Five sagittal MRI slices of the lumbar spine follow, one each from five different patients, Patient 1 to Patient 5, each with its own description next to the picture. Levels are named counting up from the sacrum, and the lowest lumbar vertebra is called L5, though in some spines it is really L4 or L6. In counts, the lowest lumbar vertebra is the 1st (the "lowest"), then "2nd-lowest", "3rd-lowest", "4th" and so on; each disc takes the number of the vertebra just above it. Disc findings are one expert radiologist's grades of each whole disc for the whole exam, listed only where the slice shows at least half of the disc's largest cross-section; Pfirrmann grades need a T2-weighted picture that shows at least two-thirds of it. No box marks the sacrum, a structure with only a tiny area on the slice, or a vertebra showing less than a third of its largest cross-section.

Patient 1 of 5:
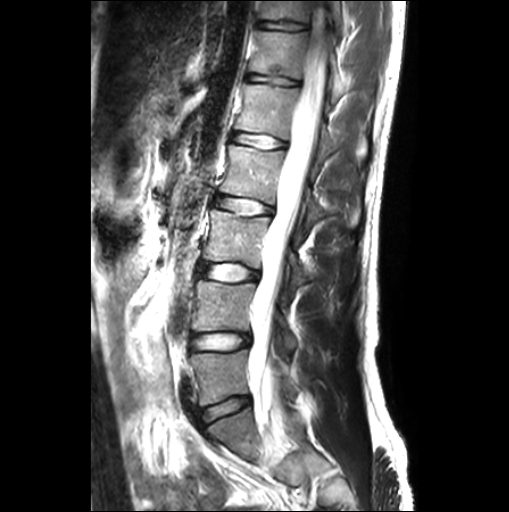 T2-weighted sagittal MRI of the lumbar spine; Patient sex: M; Image 509x512

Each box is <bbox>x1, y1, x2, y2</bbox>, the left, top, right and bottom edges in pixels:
* 7th vertebra: <bbox>257, 0, 346, 30</bbox>
* lowest vertebra: <bbox>190, 349, 296, 405</bbox>
* 4th vertebra: <bbox>218, 144, 358, 231</bbox>
* 3rd-lowest vertebra: <bbox>202, 208, 306, 297</bbox>
* 6th disc: <bbox>247, 74, 300, 85</bbox>
* 4th disc: <bbox>214, 196, 272, 214</bbox>
* lowest disc: <bbox>199, 397, 249, 422</bbox>
* 2nd-lowest disc: <bbox>191, 333, 249, 348</bbox>
* 6th vertebra: <bbox>249, 30, 345, 102</bbox>
* 5th vertebra: <bbox>234, 84, 365, 174</bbox>
* spinal canal: <bbox>251, 1, 330, 409</bbox>
* 7th disc: <bbox>256, 20, 308, 30</bbox>
* 5th disc: <bbox>231, 132, 286, 148</bbox>
* 2nd-lowest vertebra: <bbox>192, 278, 297, 353</bbox>
* 3rd-lowest disc: <bbox>200, 263, 258, 280</bbox>

Degenerative findings by level:
  lowest disc: Pfirrmann grade 1
  6th disc: Pfirrmann grade 1, lower-endplate change, upper-endplate change
  7th disc: Pfirrmann grade 1, upper-endplate change, lower-endplate change
  2nd-lowest disc: Pfirrmann grade 1
  5th disc: Pfirrmann grade 1, Modic type II
  3rd-lowest disc: Pfirrmann grade 1
  4th disc: Pfirrmann grade 1

Patient 2 of 5:
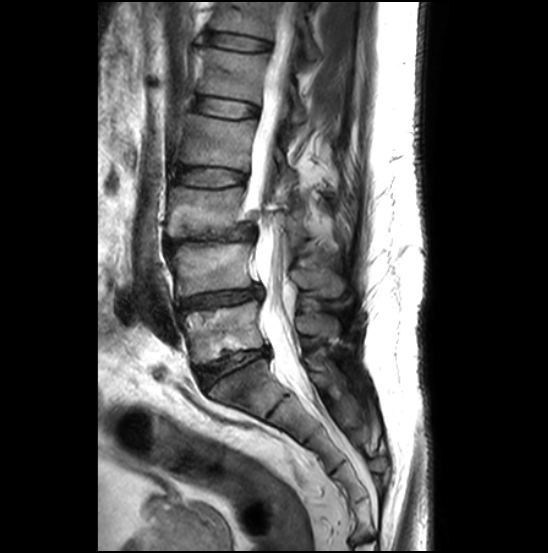

Field of view 280x282 mm, slice spacing 3.3 mm; MRI lumbar spine (T2-weighted), sagittal plane
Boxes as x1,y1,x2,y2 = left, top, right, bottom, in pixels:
2nd-lowest disc at 180,285,262,310; 2nd-lowest vertebra at 168,242,343,296; 4th disc at 176,168,245,186; 3rd-lowest disc at 164,223,255,250; lowest disc at 197,348,268,389; 5th disc at 193,96,257,118; thecal sac / spinal canal at 250,2,304,386; 6th vertebra at 211,2,320,60; 5th vertebra at 198,48,307,124; 6th disc at 208,32,270,50; 4th vertebra at 179,114,298,199; 3rd-lowest vertebra at 166,186,306,243; lowest vertebra at 181,301,338,364.

Radiological gradings:
• 6th disc: Pfirrmann grade 2
• lowest disc: Pfirrmann grade 3, disc bulging, lower-endplate change, upper-endplate change, disc narrowing, Modic type II
• 2nd-lowest disc: Pfirrmann grade 3, upper-endplate change, disc bulging, disc narrowing, Modic type II, lower-endplate change
• 4th disc: Pfirrmann grade 2
• 5th disc: Pfirrmann grade 2
• 3rd-lowest disc: Pfirrmann grade 5, Modic type II, lower-endplate change, upper-endplate change, spondylolisthesis, disc narrowing, disc herniation

Patient 3 of 5:
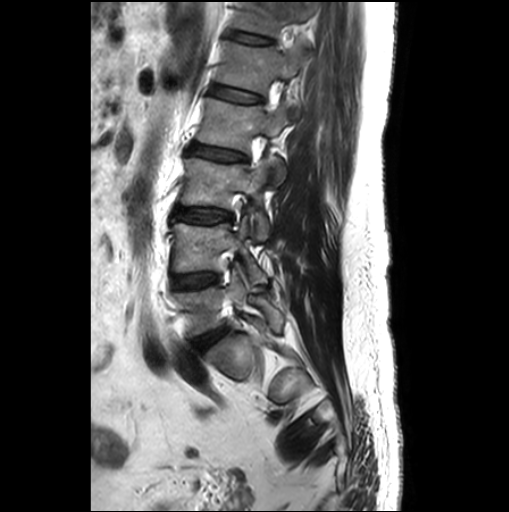 Sagittal T2-weighted lumbar spine MRI | Image 509x512 | Slice 18/26
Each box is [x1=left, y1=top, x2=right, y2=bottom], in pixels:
Annotations:
* L5: [x1=173, y1=270, x2=283, y2=336]
* L2 vertebra: [x1=196, y1=98, x2=286, y2=186]
* T12: [x1=234, y1=2, x2=315, y2=36]
* L2/L3: [x1=188, y1=144, x2=247, y2=160]
* IVD L3/L4: [x1=174, y1=207, x2=232, y2=222]
* L1/L2: [x1=211, y1=85, x2=262, y2=103]
* L1 vertebra: [x1=217, y1=41, x2=307, y2=93]
* L3 vertebra: [x1=181, y1=155, x2=275, y2=240]
* L4: [x1=171, y1=216, x2=267, y2=283]
* L4/L5: [x1=171, y1=272, x2=218, y2=289]
* IVD L5/S1: [x1=192, y1=327, x2=227, y2=352]
* T12/L1: [x1=228, y1=31, x2=272, y2=43]

Radiological gradings:
• L1/L2: Pfirrmann grade 1, lower-endplate change, upper-endplate change
• L2/L3: Pfirrmann grade 1, lower-endplate change, upper-endplate change, disc bulging
• L3/L4: Pfirrmann grade 1
• T12/L1: Pfirrmann grade 1
• L4/L5: no spondylolisthesis, narrowing, bulging, herniation, Modic or endplate change recorded

Patient 4 of 5:
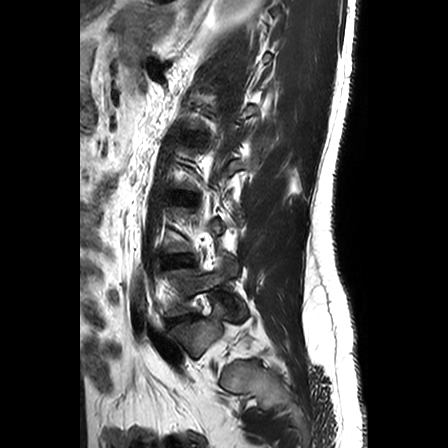
Sagittal T2-weighted lumbar spine MRI.
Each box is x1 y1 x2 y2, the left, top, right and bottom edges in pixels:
L5/S1: 168 317 186 324
L5 vertebra: 166 258 247 319

Patient 5 of 5:
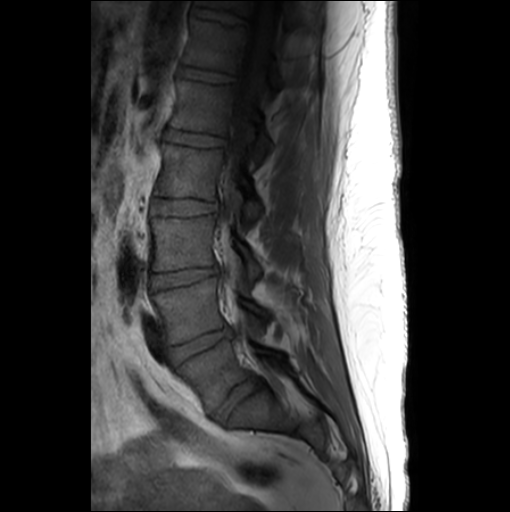 Patient sex: F. Lumbar spine MR, T1-weighted, sagittal. Field of view 280x281 mm. Sagittal slice index 15.
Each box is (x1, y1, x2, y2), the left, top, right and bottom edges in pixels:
{"spinal canal": "(223, 0, 277, 297)", "7th vertebra": "(196, 0, 295, 27)", "6th vertebra": "(184, 17, 279, 97)", "6th disc": "(179, 65, 233, 82)", "7th disc": "(192, 5, 246, 23)", "lowest vertebra": "(176, 340, 281, 410)", "3rd-lowest disc": "(150, 266, 217, 288)", "2nd-lowest disc": "(168, 327, 231, 364)", "4th disc": "(151, 199, 216, 215)", "3rd-lowest vertebra": "(150, 215, 263, 276)", "2nd-lowest vertebra": "(151, 278, 264, 343)", "5th disc": "(164, 129, 225, 146)", "4th vertebra": "(154, 144, 261, 222)", "5th vertebra": "(171, 79, 269, 159)", "lowest disc": "(210, 378, 261, 421)"}

Expert MSK radiologist gradings (per disc):
- 3rd-lowest disc: disc narrowing, disc bulging
- 2nd-lowest disc: disc bulging, disc narrowing
- lowest disc: disc bulging
- 5th disc, 6th disc, 7th disc, 4th disc: no Modic or endplate change, herniation, narrowing, bulging or spondylolisthesis recorded